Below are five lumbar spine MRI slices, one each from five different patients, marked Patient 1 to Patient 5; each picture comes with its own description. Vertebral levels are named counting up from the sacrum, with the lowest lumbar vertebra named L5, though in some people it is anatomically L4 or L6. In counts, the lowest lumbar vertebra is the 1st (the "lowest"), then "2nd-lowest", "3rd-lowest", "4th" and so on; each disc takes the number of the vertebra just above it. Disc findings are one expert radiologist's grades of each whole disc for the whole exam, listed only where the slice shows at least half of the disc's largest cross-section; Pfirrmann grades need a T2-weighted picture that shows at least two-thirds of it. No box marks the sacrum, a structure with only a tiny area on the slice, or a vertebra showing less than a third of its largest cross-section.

Patient 1 of 5:
SIEMENS Avanto_fit (1.5T). MRI lumbar spine (T1-weighted), sagittal plane. Slice 11 of 24. 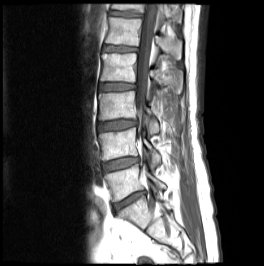 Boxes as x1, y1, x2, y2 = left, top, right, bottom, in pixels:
5th vertebra = 105, 17, 181, 59.
6th vertebra = 111, 4, 182, 22.
6th disc = 110, 11, 141, 16.
Spinal canal = 136, 4, 157, 112.
3rd-lowest vertebra = 98, 91, 158, 133.
4th vertebra = 100, 53, 182, 91.
5th disc = 103, 46, 137, 52.
2nd-lowest vertebra = 98, 127, 160, 168.
3rd-lowest disc = 98, 121, 136, 131.
2nd-lowest disc = 103, 158, 138, 170.
4th disc = 100, 83, 134, 90.
Lowest vertebra = 104, 164, 165, 201.
Lowest disc = 113, 192, 144, 210.

Degenerative findings by level:
  4th disc: Modic type II
  lowest disc: disc bulging, disc narrowing, Modic type II, disc herniation
  6th disc: lower-endplate change, upper-endplate change
  2nd-lowest disc: disc bulging
  5th disc: upper-endplate change, Modic type II, lower-endplate change
  3rd-lowest disc: disc bulging, upper-endplate change

Patient 2 of 5:
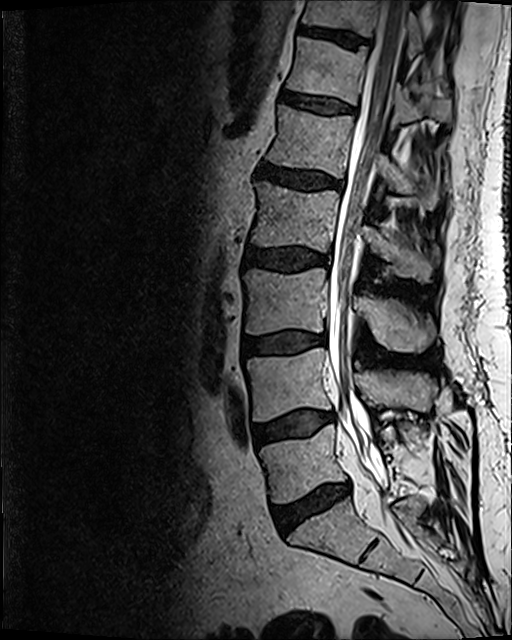

Slice 65 of 120 | 512x640 px | Patient sex: M | Lumbar spine MR, T2 SPACE (3D), sagittal
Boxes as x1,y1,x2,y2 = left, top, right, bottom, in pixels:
4th disc: 244,248,325,271.
2nd-lowest disc: 253,411,334,445.
7th disc: 299,25,368,46.
5th disc: 258,160,342,189.
6th vertebra: 286,37,451,124.
4th vertebra: 252,181,435,281.
7th vertebra: 303,0,456,57.
Spinal canal: 328,0,407,494.
2nd-lowest vertebra: 246,350,437,421.
Lowest vertebra: 259,424,389,502.
5th vertebra: 267,105,438,209.
Lowest disc: 272,484,349,532.
3rd-lowest disc: 243,331,320,354.
6th disc: 280,93,354,114.
3rd-lowest vertebra: 244,268,434,351.

Expert MSK radiologist gradings (per disc):
  3rd-lowest disc: Pfirrmann grade 2, disc bulging, Modic type II
  7th disc: Pfirrmann grade 3
  lowest disc: Pfirrmann grade 3, disc bulging, disc narrowing, Modic type II
  4th disc: Pfirrmann grade 3, disc bulging
  5th disc: Pfirrmann grade 3, disc bulging
  2nd-lowest disc: Pfirrmann grade 2, disc bulging, Modic type II
  6th disc: Pfirrmann grade 2

Patient 3 of 5:
T2-weighted sagittal MRI of the lumbar spine; Field of view 280x283 mm; 594x600 px; Slice 13/28

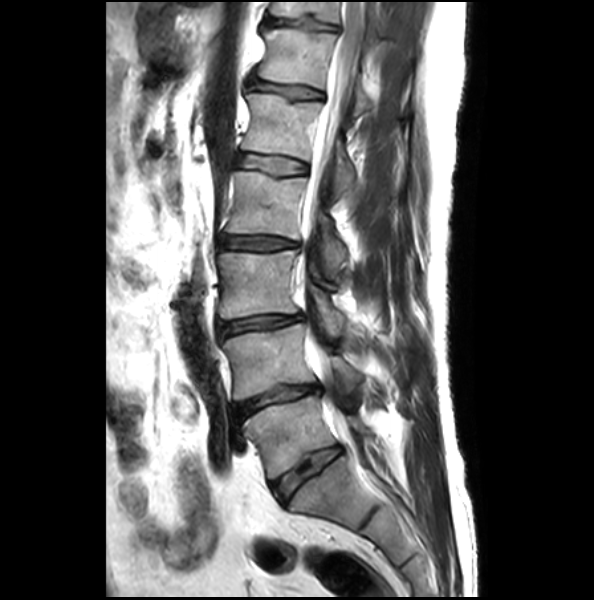

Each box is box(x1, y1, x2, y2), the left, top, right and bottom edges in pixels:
IVD L1/L2 at box(237, 155, 307, 175); IVD L4/L5 at box(232, 384, 320, 421); L5 at box(241, 395, 376, 480); T12 at box(257, 29, 372, 114); L3 vertebra at box(217, 250, 345, 336); T11 at box(270, 3, 386, 34); L1 at box(241, 94, 354, 199); L3/L4 at box(219, 314, 301, 336); IVD T12/L1 at box(249, 81, 321, 99); IVD T11/T12 at box(264, 19, 338, 30); IVD L2/L3 at box(220, 236, 296, 250); spinal canal at box(296, 3, 365, 440); L4 vertebra at box(221, 324, 365, 401); L2 at box(225, 171, 346, 275); IVD L5/S1 at box(272, 446, 341, 503).

Expert MSK radiologist gradings (per disc):
- L3/L4: Pfirrmann grade 2, disc narrowing, disc bulging
- L2/L3: Pfirrmann grade 2, disc narrowing, disc bulging
- L1/L2: Pfirrmann grade 1, upper-endplate change
- L4/L5: Pfirrmann grade 2, lower-endplate change, disc bulging, disc narrowing
- T12/L1: Pfirrmann grade 2, upper-endplate change, disc bulging
- T11/T12: Pfirrmann grade 1, disc bulging, lower-endplate change, upper-endplate change
- L5/S1: Pfirrmann grade 1, lower-endplate change, upper-endplate change

Patient 4 of 5:
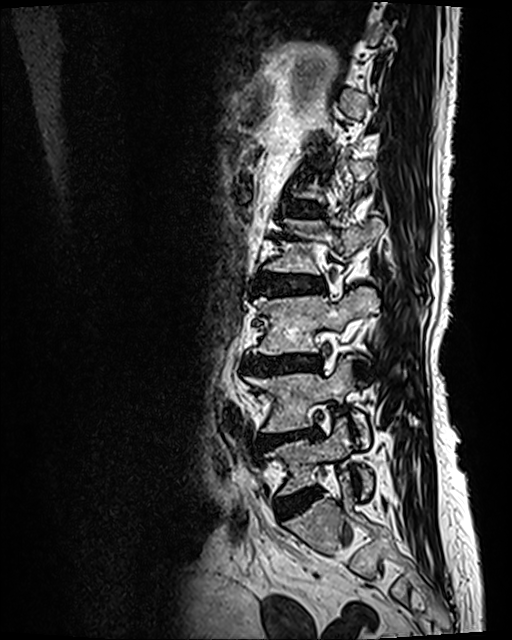
Slice 39 of 120, Sagittal T2 SPACE (3D) lumbar spine MRI

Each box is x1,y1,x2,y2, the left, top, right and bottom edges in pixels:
3rd-lowest vertebra at 255,287,379,353.
4th vertebra at 265,219,383,274.
2nd-lowest vertebra at 245,356,368,447.
3rd-lowest disc at 244,354,321,374.
2nd-lowest disc at 258,429,320,448.
Lowest vertebra at 266,418,373,495.
5th disc at 286,200,322,217.
4th disc at 260,272,322,293.
Lowest disc at 277,489,317,519.

Radiological gradings:
- 4th disc: Pfirrmann grade 3, Modic type II, disc bulging, lower-endplate change, upper-endplate change
- 3rd-lowest disc: Pfirrmann grade 4, Modic type II, upper-endplate change, disc narrowing, disc bulging, lower-endplate change

Patient 5 of 5:
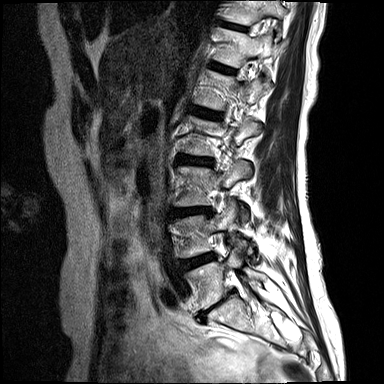
Patient sex: F; T2-weighted sagittal MRI of the lumbar spine
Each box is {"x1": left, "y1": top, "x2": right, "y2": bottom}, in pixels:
7th disc at {"x1": 226, "y1": 23, "x2": 244, "y2": 29}.
2nd-lowest disc at {"x1": 182, "y1": 255, "x2": 214, "y2": 270}.
5th disc at {"x1": 193, "y1": 108, "x2": 219, "y2": 117}.
3rd-lowest vertebra at {"x1": 178, "y1": 162, "x2": 250, "y2": 224}.
3rd-lowest disc at {"x1": 176, "y1": 208, "x2": 209, "y2": 215}.
4th disc at {"x1": 180, "y1": 156, "x2": 212, "y2": 165}.
7th vertebra at {"x1": 224, "y1": 0, "x2": 285, "y2": 24}.
Lowest disc at {"x1": 201, "y1": 291, "x2": 234, "y2": 316}.
2nd-lowest vertebra at {"x1": 177, "y1": 202, "x2": 237, "y2": 256}.
6th disc at {"x1": 215, "y1": 64, "x2": 235, "y2": 73}.
Lowest vertebra at {"x1": 188, "y1": 251, "x2": 266, "y2": 311}.
6th vertebra at {"x1": 211, "y1": 29, "x2": 276, "y2": 67}.

Radiological gradings:
• lowest disc: Modic type II, disc bulging, disc narrowing, upper-endplate change, lower-endplate change